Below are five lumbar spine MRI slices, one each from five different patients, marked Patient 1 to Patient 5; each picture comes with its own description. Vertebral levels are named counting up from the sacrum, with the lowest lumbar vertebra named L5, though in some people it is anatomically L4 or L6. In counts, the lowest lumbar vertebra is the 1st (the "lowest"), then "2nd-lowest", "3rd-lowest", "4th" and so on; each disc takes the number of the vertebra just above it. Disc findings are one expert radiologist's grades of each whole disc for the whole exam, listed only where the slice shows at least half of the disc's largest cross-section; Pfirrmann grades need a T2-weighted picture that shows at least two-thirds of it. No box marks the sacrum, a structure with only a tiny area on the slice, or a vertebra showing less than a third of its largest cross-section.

Patient 1 of 5:
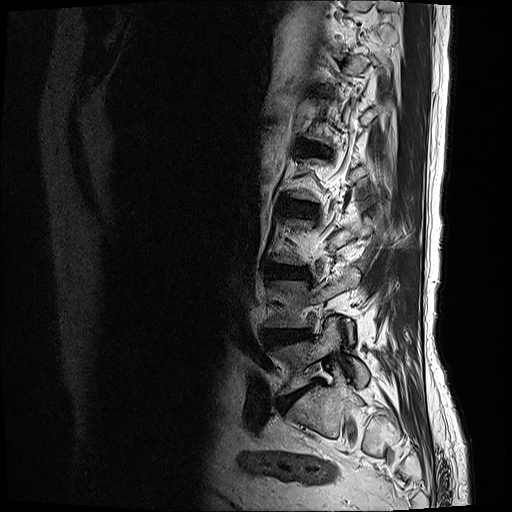 MRI lumbar spine (T2-weighted), sagittal plane | Patient sex: M | Image 512x512 | Slice 18/19
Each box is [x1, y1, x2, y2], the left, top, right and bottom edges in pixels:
{"2nd-lowest disc": "[265, 331, 309, 345]", "5th disc": "[300, 142, 329, 156]", "3rd-lowest disc": "[267, 264, 309, 279]", "lowest disc": "[278, 381, 319, 410]", "4th disc": "[284, 200, 319, 220]", "lowest vertebra": "[274, 318, 370, 394]"}

Patient 2 of 5:
MRI lumbar spine (T1-weighted), sagittal plane.
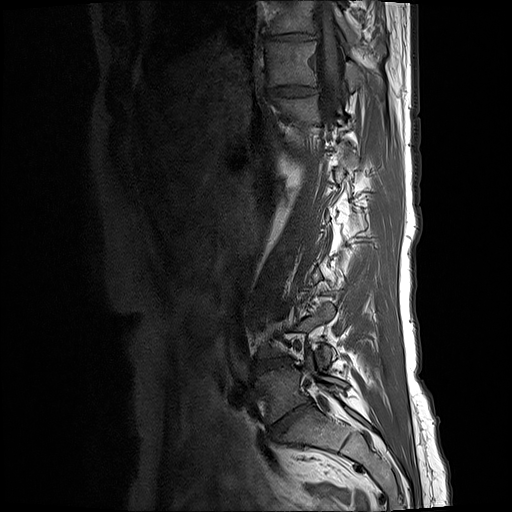
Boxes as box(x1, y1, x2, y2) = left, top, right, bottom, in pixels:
Segmented structures:
* T11 (7th vertebra): box(266, 42, 361, 91)
* T10 (8th vertebra): box(268, 1, 385, 56)
* L5/S1 (lowest disc): box(268, 399, 311, 438)
* T11/T12 (7th disc): box(267, 84, 318, 97)
* thecal sac / spinal canal: box(316, 2, 343, 118)
* IVD T10/T11 (8th disc): box(269, 34, 313, 41)
* L5 (lowest vertebra): box(254, 351, 346, 422)
* IVD L4/L5 (2nd-lowest disc): box(253, 358, 288, 371)

Per-level radiological findings:
- L5/S1 (lowest disc): lower-endplate change, disc bulging, disc narrowing, Modic type II, upper-endplate change
- T11/T12 (7th disc): disc narrowing, disc bulging
- T10/T11 (8th disc): disc bulging, disc narrowing

Patient 3 of 5:
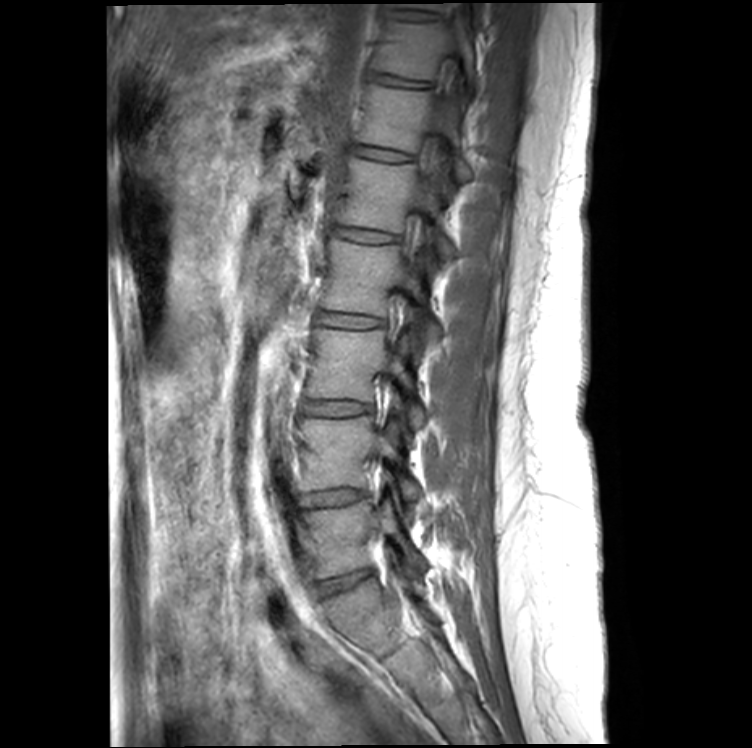

Sagittal T1-weighted lumbar spine MRI, Patient sex: F, Slice 14 of 21
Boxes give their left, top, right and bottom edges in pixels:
Intervertebral disc L1/L2 (5th disc): left=335, top=227, right=399, bottom=242.
Intervertebral disc L2/L3 (4th disc): left=317, top=311, right=384, bottom=329.
L4 (2nd-lowest vertebra): left=298, top=415, right=421, bottom=516.
L3 (3rd-lowest vertebra): left=306, top=327, right=426, bottom=428.
T10/T11 (8th disc): left=392, top=11, right=441, bottom=21.
Intervertebral disc L5/S1 (lowest disc): left=319, top=570, right=371, bottom=596.
T11/T12 (7th disc): left=372, top=74, right=429, bottom=87.
Thecal sac / spinal canal: left=395, top=55, right=457, bottom=336.
T11 (7th vertebra): left=372, top=21, right=478, bottom=90.
T10 (8th vertebra): left=398, top=3, right=483, bottom=12.
Intervertebral disc L3/L4 (3rd-lowest disc): left=303, top=401, right=373, bottom=416.
L5 (lowest vertebra): left=304, top=500, right=426, bottom=579.
T12 (6th vertebra): left=356, top=84, right=473, bottom=181.
T12/L1 (6th disc): left=353, top=146, right=412, bottom=162.
L2 (4th vertebra): left=320, top=237, right=441, bottom=350.
L1 (5th vertebra): left=337, top=157, right=457, bottom=265.
Intervertebral disc L4/L5 (2nd-lowest disc): left=303, top=490, right=366, bottom=506.

Per-level radiological findings:
• T11/T12 (7th disc): disc bulging, lower-endplate change
• L1/L2 (5th disc), T12/L1 (6th disc), L3/L4 (3rd-lowest disc), L2/L3 (4th disc), L4/L5 (2nd-lowest disc), T10/T11 (8th disc): no herniation, bulging, narrowing, spondylolisthesis, endplate or Modic change recorded

Patient 4 of 5:
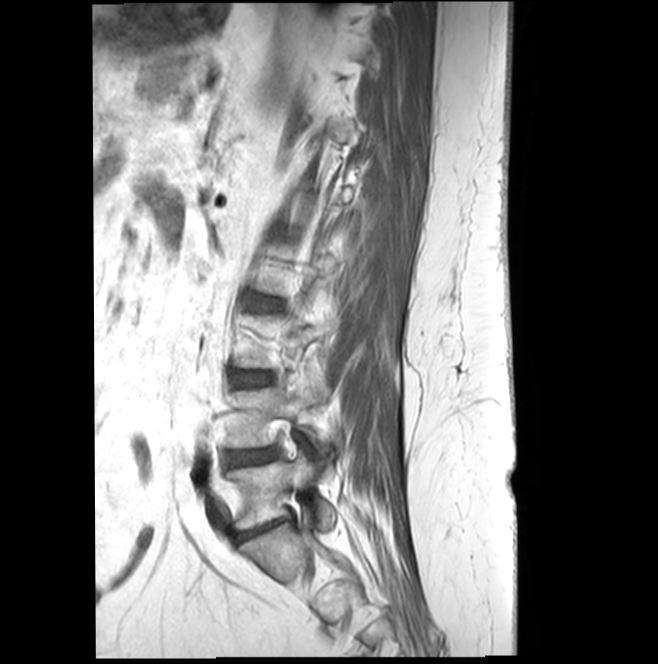
T1-weighted sagittal MRI of the lumbar spine | Slice spacing 4.4 mm | Patient sex: F
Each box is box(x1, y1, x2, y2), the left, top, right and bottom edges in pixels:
2nd-lowest vertebra = box(225, 373, 331, 467).
2nd-lowest disc = box(224, 447, 278, 466).
4th disc = box(253, 299, 277, 310).
3rd-lowest disc = box(233, 373, 271, 385).
Lowest disc = box(236, 520, 285, 540).
Lowest vertebra = box(227, 453, 336, 531).

Per-level radiological findings:
- 2nd-lowest disc: disc narrowing

Patient 5 of 5:
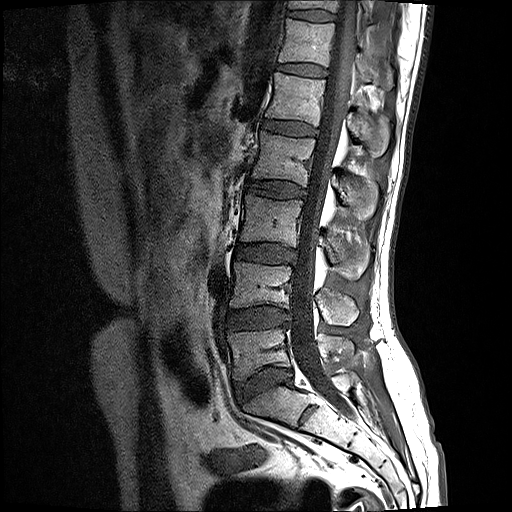

Slice 10/17; Patient sex: M; MRI lumbar spine (T1-weighted), sagittal plane

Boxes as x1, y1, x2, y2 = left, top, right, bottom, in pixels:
Segmented structures:
* L5 (lowest vertebra) at 227, 328, 354, 380
* thecal sac / spinal canal at 291, 0, 357, 412
* L1 (5th vertebra) at 266, 72, 389, 155
* L1/L2 (5th disc) at 262, 120, 316, 135
* L4/L5 (2nd-lowest disc) at 226, 306, 289, 329
* T11 (7th vertebra) at 288, 0, 374, 23
* L3 (3rd-lowest vertebra) at 240, 191, 368, 278
* L2 (4th vertebra) at 252, 131, 376, 219
* disc T11/T12 (7th disc) at 288, 10, 335, 21
* T12 (6th vertebra) at 278, 19, 393, 90
* disc T12/L1 (6th disc) at 277, 64, 327, 76
* L4 (2nd-lowest vertebra) at 230, 262, 360, 325
* disc L3/L4 (3rd-lowest disc) at 235, 243, 296, 263
* disc L2/L3 (4th disc) at 247, 180, 305, 198
* L5/S1 (lowest disc) at 233, 366, 292, 404

Expert MSK radiologist gradings (per disc):
- L3/L4 (3rd-lowest disc): disc bulging
- L4/L5 (2nd-lowest disc): disc bulging
- L5/S1 (lowest disc): disc bulging
- L2/L3 (4th disc), T12/L1 (6th disc), L1/L2 (5th disc), T11/T12 (7th disc): no Modic or endplate change, herniation, narrowing, bulging or spondylolisthesis recorded